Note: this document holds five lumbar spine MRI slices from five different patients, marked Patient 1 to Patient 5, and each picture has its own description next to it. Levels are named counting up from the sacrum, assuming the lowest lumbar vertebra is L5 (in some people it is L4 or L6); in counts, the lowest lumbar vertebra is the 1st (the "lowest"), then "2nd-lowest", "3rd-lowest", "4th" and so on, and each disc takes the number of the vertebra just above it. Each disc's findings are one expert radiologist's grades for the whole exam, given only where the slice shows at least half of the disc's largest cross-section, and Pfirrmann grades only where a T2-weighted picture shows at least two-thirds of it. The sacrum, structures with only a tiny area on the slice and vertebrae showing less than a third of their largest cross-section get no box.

Patient 1 of 5:
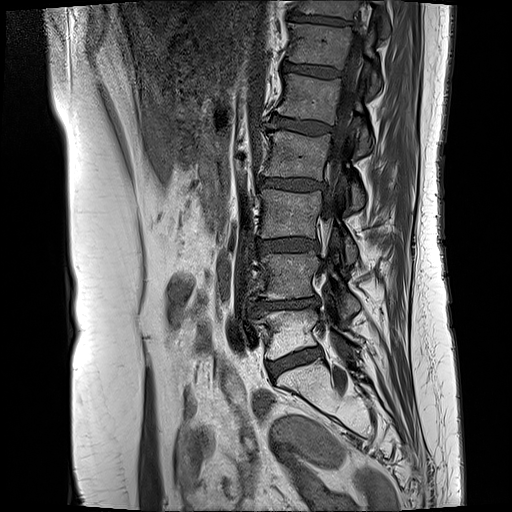
Lumbar spine MR, T1-weighted, sagittal; Sex F

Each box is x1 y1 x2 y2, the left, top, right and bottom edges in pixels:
{"T11 (7th vertebra)": "299 0 389 30", "IVD L5/S1 (lowest disc)": "268 348 321 377", "thecal sac / spinal canal": "323 44 361 222", "T12 (6th vertebra)": "289 24 380 92", "L2 (4th vertebra)": "265 131 364 209", "L1/L2 (5th disc)": "267 113 331 133", "L4 (2nd-lowest vertebra)": "252 251 359 318", "L5 (lowest vertebra)": "255 308 361 357", "L1 (5th vertebra)": "277 74 372 153", "IVD T11/T12 (7th disc)": "290 11 348 24", "L3/L4 (3rd-lowest disc)": "257 238 318 253", "IVD T12/L1 (6th disc)": "283 62 341 77", "L3 (3rd-lowest vertebra)": "260 189 356 263", "IVD L4/L5 (2nd-lowest disc)": "247 296 319 313", "IVD L2/L3 (4th disc)": "259 178 326 189"}

Radiological gradings:
• L2/L3 (4th disc): disc bulging, Modic type II
• L1/L2 (5th disc): Modic type II
• L4/L5 (2nd-lowest disc): upper-endplate change, disc narrowing, lower-endplate change, disc bulging, Modic type II
• T12/L1 (6th disc): Modic type II
• T11/T12 (7th disc): lower-endplate change, Modic type II, upper-endplate change
• L5/S1 (lowest disc): disc bulging, Modic type II
• L3/L4 (3rd-lowest disc): Modic type II, disc bulging

Patient 2 of 5:
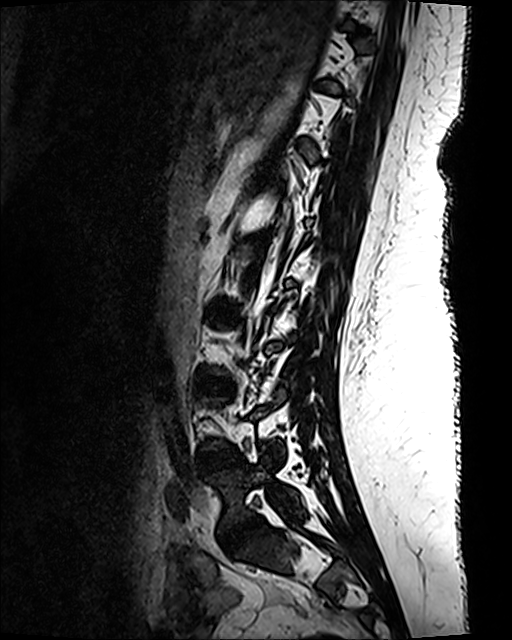 Field of view 240x300 mm, slice spacing 0.9 mm; MRI lumbar spine (T2 SPACE (3D)), sagittal plane

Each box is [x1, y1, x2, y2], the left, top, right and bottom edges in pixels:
L5 (lowest vertebra) = [209, 460, 303, 528].
Intervertebral disc L5/S1 (lowest disc) = [219, 515, 262, 554].
Intervertebral disc L4/L5 (2nd-lowest disc) = [202, 449, 240, 471].
L3/L4 (3rd-lowest disc) = [200, 378, 229, 394].

Patient 3 of 5:
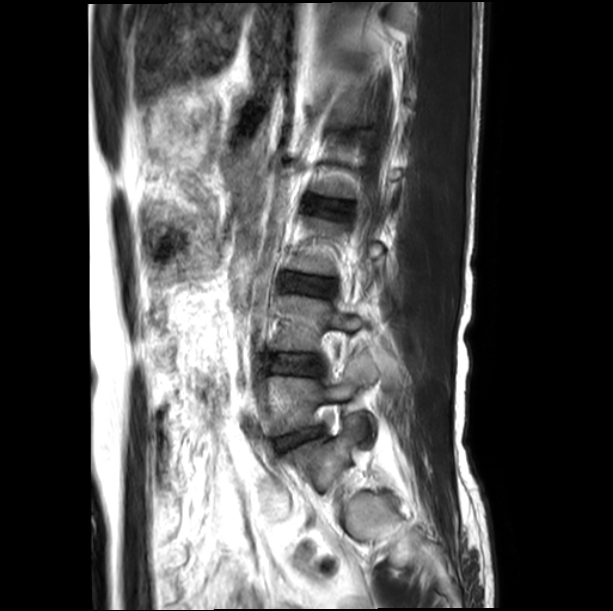
Image 613x611. MRI lumbar spine (T2-weighted), sagittal plane. Sex M.
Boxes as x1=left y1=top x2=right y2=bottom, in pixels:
{"4th disc": "x1=311 y1=198 x2=346 y2=213", "lowest vertebra": "x1=259 y1=357 x2=375 y2=434", "2nd-lowest disc": "x1=269 y1=354 x2=322 y2=375", "3rd-lowest disc": "x1=283 y1=273 x2=335 y2=296", "2nd-lowest vertebra": "x1=270 y1=295 x2=362 y2=351", "lowest disc": "x1=277 y1=430 x2=316 y2=450"}

Per-level radiological findings:
  2nd-lowest disc, 3rd-lowest disc: no spondylolisthesis, narrowing, bulging, herniation, Modic or endplate change recorded

Patient 4 of 5:
Sagittal slice index 63 | Sex M | Sagittal T2 SPACE (3D) lumbar spine MRI

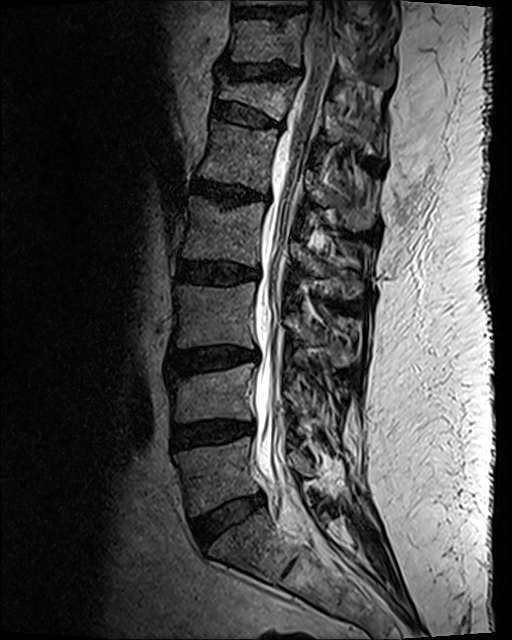
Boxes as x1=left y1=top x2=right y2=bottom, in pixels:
- disc L3/L4: x1=174 y1=349 x2=258 y2=373
- disc L1/L2: x1=191 y1=180 x2=252 y2=206
- L5: x1=175 y1=437 x2=315 y2=515
- T11/T12: x1=227 y1=66 x2=296 y2=81
- L2: x1=182 y1=198 x2=363 y2=298
- T11: x1=226 y1=16 x2=394 y2=89
- disc L4/L5: x1=170 y1=422 x2=249 y2=450
- T10/T11: x1=238 y1=10 x2=300 y2=19
- disc L5/S1: x1=192 y1=493 x2=264 y2=546
- T12 vertebra: x1=218 y1=79 x2=355 y2=141
- L4: x1=166 y1=364 x2=313 y2=423
- L1 vertebra: x1=199 y1=121 x2=376 y2=231
- thecal sac / spinal canal: x1=254 y1=1 x2=334 y2=524
- disc L2/L3: x1=178 y1=261 x2=258 y2=286
- L3: x1=174 y1=282 x2=354 y2=367
- T12/L1: x1=212 y1=101 x2=279 y2=128

Expert MSK radiologist gradings (per disc):
- L2/L3: Pfirrmann grade 3, lower-endplate change, disc bulging
- L5/S1: Pfirrmann grade 2, disc bulging
- L3/L4: Pfirrmann grade 3, Modic type II, lower-endplate change, disc bulging, upper-endplate change
- T11/T12: Pfirrmann grade 2, disc narrowing, upper-endplate change, lower-endplate change, disc bulging
- T12/L1: Pfirrmann grade 2, lower-endplate change, disc bulging, spondylolisthesis, upper-endplate change
- L4/L5: Pfirrmann grade 3, disc narrowing, disc bulging
- L1/L2: Pfirrmann grade 3, disc narrowing, disc bulging, upper-endplate change, Modic type II, lower-endplate change

Patient 5 of 5:
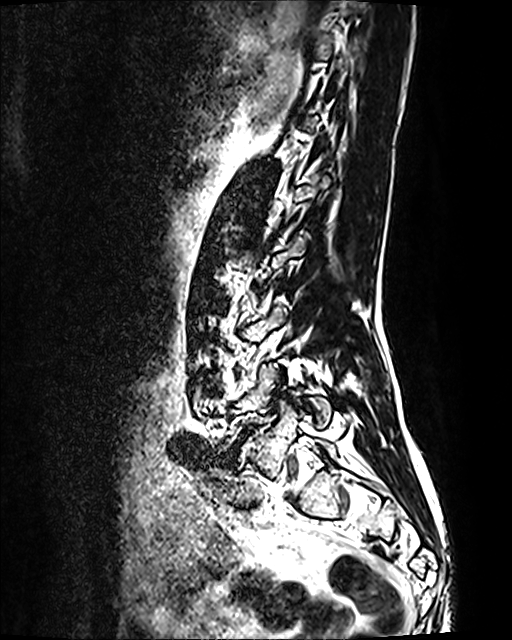 MRI lumbar spine (T2 SPACE (3D)), sagittal plane, Sex F
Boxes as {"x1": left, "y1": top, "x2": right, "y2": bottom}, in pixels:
Annotations:
- 2nd-lowest disc — {"x1": 206, "y1": 379, "x2": 214, "y2": 388}
- 3rd-lowest disc — {"x1": 200, "y1": 292, "x2": 216, "y2": 304}
- lowest disc — {"x1": 217, "y1": 424, "x2": 257, "y2": 466}
- lowest vertebra — {"x1": 211, "y1": 364, "x2": 331, "y2": 454}